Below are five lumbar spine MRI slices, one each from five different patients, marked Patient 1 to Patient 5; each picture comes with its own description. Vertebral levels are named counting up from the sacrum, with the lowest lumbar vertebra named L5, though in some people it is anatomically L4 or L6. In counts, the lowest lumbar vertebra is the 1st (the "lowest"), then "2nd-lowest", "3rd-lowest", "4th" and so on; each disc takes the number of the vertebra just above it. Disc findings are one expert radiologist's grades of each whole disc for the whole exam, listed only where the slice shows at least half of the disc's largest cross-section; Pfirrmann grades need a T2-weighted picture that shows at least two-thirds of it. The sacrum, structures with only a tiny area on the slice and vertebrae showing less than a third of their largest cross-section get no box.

Patient 1 of 5:
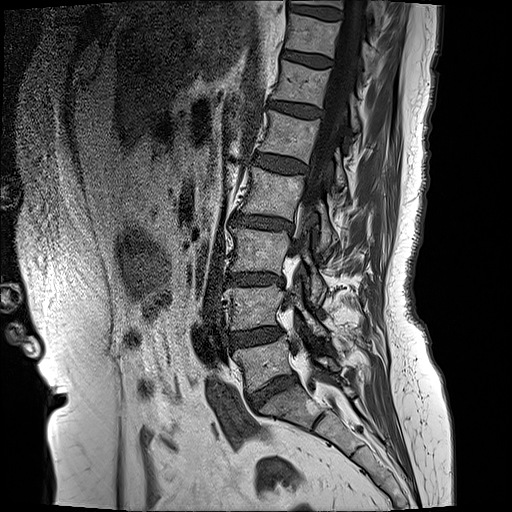 512x512 px. Sex F. Sagittal T1-weighted lumbar spine MRI. Slice 12/17.

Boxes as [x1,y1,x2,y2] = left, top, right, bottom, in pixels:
4th disc — [231,213,292,231].
3rd-lowest disc — [226,272,283,284].
4th vertebra — [241,166,332,250].
7th disc — [282,50,331,66].
5th vertebra — [260,110,345,187].
Thecal sac / spinal canal — [285,1,367,353].
2nd-lowest disc — [232,327,280,345].
Lowest vertebra — [235,337,339,392].
8th disc — [287,5,342,19].
2nd-lowest vertebra — [226,283,326,337].
7th vertebra — [285,14,374,70].
6th disc — [269,101,322,117].
5th disc — [252,153,306,172].
6th vertebra — [273,61,359,130].
3rd-lowest vertebra — [231,227,323,303].
8th vertebra — [293,0,381,24].
Lowest disc — [250,376,294,408].

Degenerative findings by level:
• 3rd-lowest disc: lower-endplate change, disc narrowing, upper-endplate change, disc bulging, Modic type II
• 2nd-lowest disc: disc bulging
• 6th disc: disc bulging
• lowest disc: disc bulging, disc narrowing
• 4th disc: Modic type II, upper-endplate change, lower-endplate change, disc narrowing, disc bulging
• 7th disc, 8th disc, 5th disc: no Modic or endplate change, herniation, narrowing, bulging or spondylolisthesis recorded

Patient 2 of 5:
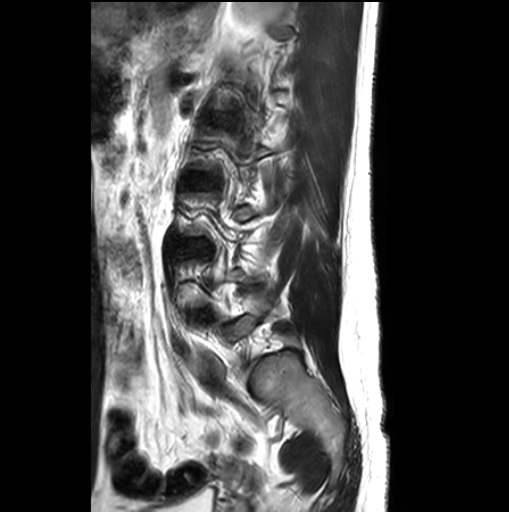
509x512 px; Lumbar spine MR, T2-weighted, sagittal; Field of view 280x281 mm

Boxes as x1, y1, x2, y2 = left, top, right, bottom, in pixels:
Annotations:
* L4/L5 = 198, 315, 210, 320
* intervertebral disc L3/L4 = 176, 238, 207, 253
* L2/L3 = 188, 173, 216, 189

Radiological gradings:
  L2/L3: no Modic or endplate change, herniation, narrowing, bulging or spondylolisthesis recorded

Patient 3 of 5:
SIEMENS Avanto (1.5T), MRI lumbar spine (T2-weighted), sagittal plane

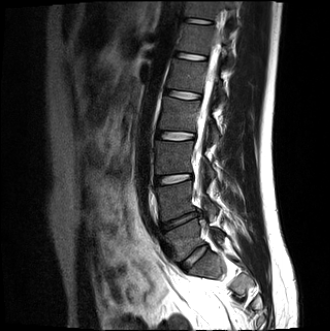 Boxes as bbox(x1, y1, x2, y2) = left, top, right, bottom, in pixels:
IVD L5/S1: bbox(181, 245, 208, 270).
L5 vertebra: bbox(165, 218, 225, 261).
L1 vertebra: bbox(167, 58, 224, 101).
Thecal sac / spinal canal: bbox(195, 55, 217, 158).
L4/L5: bbox(161, 209, 201, 230).
T11/T12: bbox(185, 19, 212, 23).
L2 vertebra: bbox(159, 97, 219, 142).
L4 vertebra: bbox(156, 181, 217, 220).
IVD L1/L2: bbox(165, 89, 200, 98).
L2/L3: bbox(157, 131, 195, 139).
L3 vertebra: bbox(156, 141, 215, 177).
T11 vertebra: bbox(185, 1, 234, 22).
T12 vertebra: bbox(177, 23, 232, 66).
L3/L4: bbox(155, 174, 192, 185).
T12/L1: bbox(174, 52, 206, 60).

Radiological gradings:
• T11/T12: Pfirrmann grade 2
• T12/L1: Pfirrmann grade 2
• L5/S1: Pfirrmann grade 2, disc bulging
• L1/L2: Pfirrmann grade 2
• L4/L5: Pfirrmann grade 4, disc narrowing, Modic type II, lower-endplate change, upper-endplate change, disc herniation
• L2/L3: Pfirrmann grade 2
• L3/L4: Pfirrmann grade 2

Patient 4 of 5:
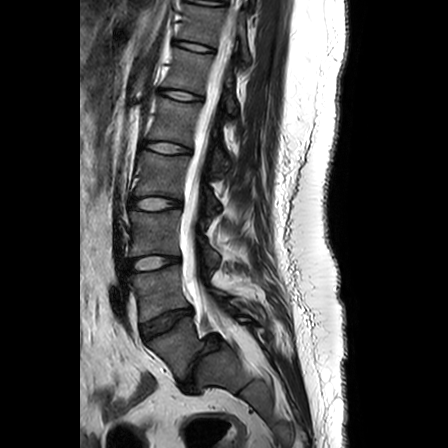 T2-weighted sagittal MRI of the lumbar spine
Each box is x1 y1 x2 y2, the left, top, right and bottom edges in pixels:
• 6th disc — 160 89 201 100
• 3rd-lowest vertebra — 130 210 219 266
• 3rd-lowest disc — 129 256 179 272
• 7th disc — 175 41 211 51
• lowest vertebra — 148 317 251 378
• 6th vertebra — 163 48 236 112
• 2nd-lowest disc — 141 308 191 339
• 2nd-lowest vertebra — 131 265 227 321
• 4th vertebra — 136 151 221 210
• 4th disc — 130 198 180 209
• 5th vertebra — 149 97 229 166
• 5th disc — 144 142 189 154
• lowest disc — 183 335 221 386
• spinal canal — 181 0 241 339
• 7th vertebra — 178 5 249 60

Radiological gradings:
- lowest disc: Pfirrmann grade 1, disc narrowing, disc bulging, lower-endplate change, spondylolisthesis
- 4th disc: Pfirrmann grade 4
- 5th disc: Pfirrmann grade 1
- 2nd-lowest disc: Pfirrmann grade 1, disc bulging
- 6th disc: Pfirrmann grade 1
- 7th disc: Pfirrmann grade 1
- 3rd-lowest disc: Pfirrmann grade 3

Patient 5 of 5:
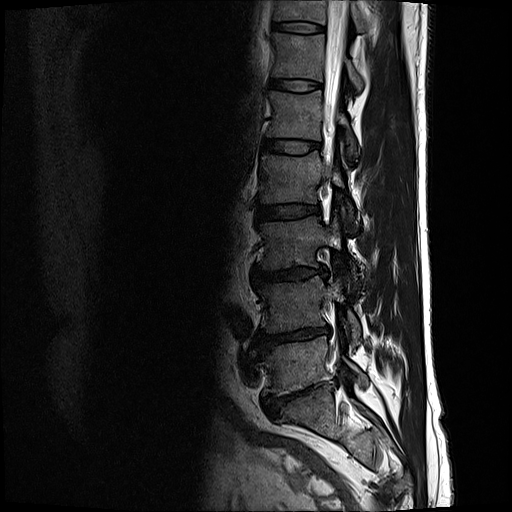

512x512 px | Lumbar spine MR, T2-weighted, sagittal

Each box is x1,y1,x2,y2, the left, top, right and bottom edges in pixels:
L4: 257,276,361,344.
T12: 271,33,363,90.
T11 vertebra: 271,0,368,33.
Thecal sac / spinal canal: 323,1,349,167.
L3: 260,215,357,282.
L2: 259,150,356,225.
Intervertebral disc L4/L5: 258,325,329,351.
L5: 262,336,368,396.
L3/L4: 254,267,325,281.
L1 vertebra: 266,90,356,158.
Intervertebral disc T11/T12: 269,20,324,32.
T12/L1: 270,78,320,90.
Intervertebral disc L5/S1: 263,384,316,418.
Intervertebral disc L1/L2: 262,138,320,154.
L2/L3: 256,204,320,221.

Radiological gradings:
• L3/L4: Pfirrmann grade 3, disc bulging, disc narrowing
• T11/T12: Pfirrmann grade 2
• L4/L5: Pfirrmann grade 5, disc narrowing, Modic type II, lower-endplate change, disc bulging
• L2/L3: Pfirrmann grade 2
• L1/L2: Pfirrmann grade 2
• T12/L1: Pfirrmann grade 2
• L5/S1: disc bulging, lower-endplate change, spondylolisthesis, disc narrowing